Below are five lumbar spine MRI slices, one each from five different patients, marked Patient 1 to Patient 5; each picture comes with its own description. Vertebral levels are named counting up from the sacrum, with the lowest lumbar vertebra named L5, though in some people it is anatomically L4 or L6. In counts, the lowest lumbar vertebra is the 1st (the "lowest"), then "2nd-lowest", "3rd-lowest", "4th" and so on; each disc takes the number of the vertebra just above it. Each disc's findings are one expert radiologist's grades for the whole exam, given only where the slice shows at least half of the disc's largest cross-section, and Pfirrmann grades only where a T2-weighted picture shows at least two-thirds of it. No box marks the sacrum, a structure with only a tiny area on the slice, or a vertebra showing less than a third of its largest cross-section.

Patient 1 of 5:
461x462 px | Sagittal slice index 14 | MRI lumbar spine (T2-weighted), sagittal plane | Sex F

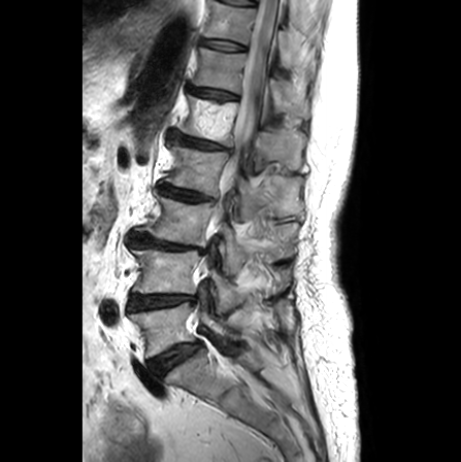 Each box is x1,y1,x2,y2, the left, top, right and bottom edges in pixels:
3rd-lowest vertebra at 134,193,297,272.
5th disc at 169,131,230,150.
3rd-lowest disc at 127,232,203,253.
2nd-lowest disc at 128,294,195,310.
Thecal sac / spinal canal at 215,0,279,227.
5th vertebra at 177,94,306,169.
6th disc at 188,86,237,100.
2nd-lowest vertebra at 131,248,243,312.
4th disc at 159,184,214,201.
Lowest disc at 149,342,201,376.
4th vertebra at 164,142,304,218.
7th disc at 200,38,246,51.
Lowest vertebra at 129,284,233,357.
6th vertebra at 192,47,309,118.
7th vertebra at 203,0,299,67.

Degenerative findings by level:
  2nd-lowest disc: Pfirrmann grade 2, disc narrowing, Modic type II
  5th disc: Pfirrmann grade 3, lower-endplate change, upper-endplate change, disc bulging, disc narrowing
  6th disc: Pfirrmann grade 2, upper-endplate change
  4th disc: Pfirrmann grade 3, upper-endplate change, lower-endplate change, disc narrowing
  lowest disc: Pfirrmann grade 3, Modic type II
  3rd-lowest disc: Pfirrmann grade 5, disc narrowing, Modic type II, lower-endplate change, upper-endplate change
  7th disc: Pfirrmann grade 1

Patient 2 of 5:
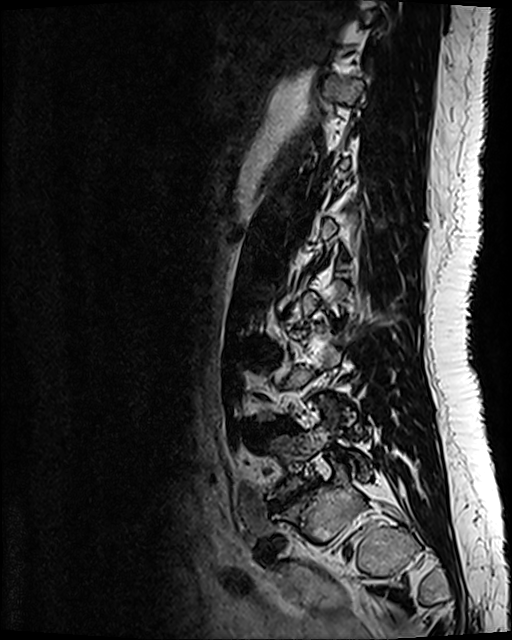 Image 512x640 | Sagittal slice index 88 | Lumbar spine MR, T2 SPACE (3D), sagittal
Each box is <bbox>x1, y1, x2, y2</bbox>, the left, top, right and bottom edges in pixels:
Disc L5/S1 at <bbox>272, 481, 317, 509</bbox>.
L4/L5 at <bbox>249, 421, 287, 439</bbox>.
L3/L4 at <bbox>251, 346, 277, 352</bbox>.
L5 vertebra at <bbox>269, 427, 367, 497</bbox>.

Patient 3 of 5:
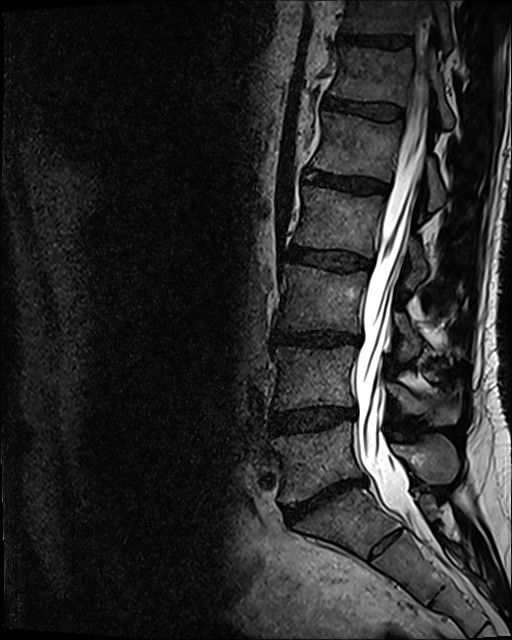 Sagittal T2 SPACE (3D) lumbar spine MRI. Slice 71/120.

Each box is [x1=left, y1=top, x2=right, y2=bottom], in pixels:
2nd-lowest disc — [x1=270, y1=408, x2=355, y2=432].
Thecal sac / spinal canal — [x1=356, y1=55, x2=430, y2=542].
4th disc — [x1=289, y1=247, x2=371, y2=271].
2nd-lowest vertebra — [x1=273, y1=346, x2=460, y2=424].
5th vertebra — [x1=313, y1=112, x2=444, y2=210].
6th disc — [x1=324, y1=97, x2=403, y2=119].
5th disc — [x1=305, y1=169, x2=388, y2=193].
Lowest vertebra — [x1=271, y1=422, x2=458, y2=504].
4th vertebra — [x1=294, y1=187, x2=427, y2=289].
7th disc — [x1=339, y1=33, x2=410, y2=48].
7th vertebra — [x1=342, y1=0, x2=452, y2=52].
3rd-lowest disc — [x1=273, y1=331, x2=361, y2=346].
Lowest disc — [x1=282, y1=477, x2=365, y2=522].
6th vertebra — [x1=331, y1=47, x2=453, y2=127].
3rd-lowest vertebra — [x1=281, y1=264, x2=463, y2=361].

Radiological gradings:
- 2nd-lowest disc: Pfirrmann grade 3, disc bulging, disc narrowing
- 6th disc: Pfirrmann grade 3
- lowest disc: Pfirrmann grade 5, Modic type II, disc bulging, disc narrowing
- 7th disc: Pfirrmann grade 4
- 5th disc: Pfirrmann grade 4
- 4th disc: Pfirrmann grade 3, disc bulging
- 3rd-lowest disc: Pfirrmann grade 4, lower-endplate change, disc bulging, disc narrowing

Patient 4 of 5:
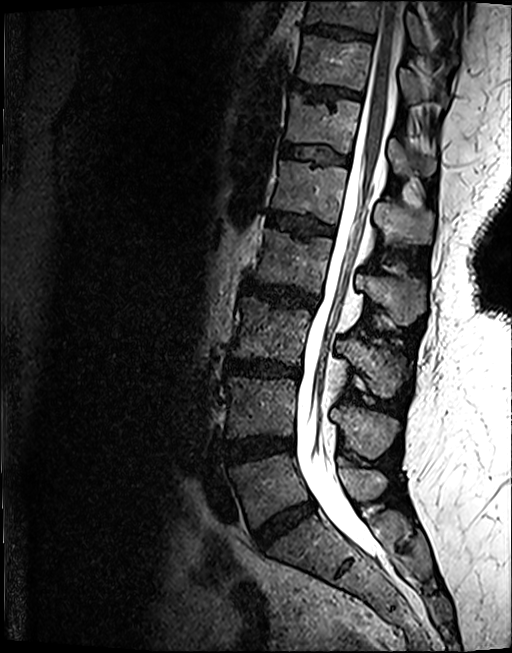 MRI lumbar spine (T2 SPACE (3D)), sagittal plane; 512x653 px
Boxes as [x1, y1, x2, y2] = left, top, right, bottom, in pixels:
IVD T12/L1 at [282, 143, 349, 163], IVD L5/S1 at [254, 501, 314, 548], IVD T10/T11 at [306, 24, 371, 38], L4 at [227, 377, 395, 457], T11/T12 at [293, 80, 361, 99], L1 vertebra at [271, 160, 433, 243], L1/L2 at [268, 211, 333, 236], T12 vertebra at [285, 93, 434, 175], L5 vertebra at [229, 452, 386, 527], L2 at [251, 228, 422, 324], IVD L4/L5 at [224, 435, 293, 462], L2/L3 at [243, 279, 317, 307], T10 at [307, 0, 423, 45], L3 at [230, 296, 401, 395], IVD L3/L4 at [227, 359, 300, 377], thecal sac / spinal canal at [296, 0, 404, 553], T11 at [298, 33, 415, 104].

Degenerative findings by level:
- L2/L3: Pfirrmann grade 4, disc bulging, upper-endplate change, lower-endplate change
- L3/L4: Pfirrmann grade 4, disc bulging, upper-endplate change, Modic type II, lower-endplate change, disc narrowing
- L4/L5: Pfirrmann grade 4, Modic type II, lower-endplate change, disc bulging
- T11/T12: Pfirrmann grade 4, upper-endplate change
- L1/L2: Pfirrmann grade 4, lower-endplate change, Modic type II, upper-endplate change
- T12/L1: Pfirrmann grade 3, lower-endplate change, upper-endplate change
- L5/S1: Pfirrmann grade 4, disc bulging, disc narrowing
- T10/T11: Pfirrmann grade 4, upper-endplate change, lower-endplate change

Patient 5 of 5:
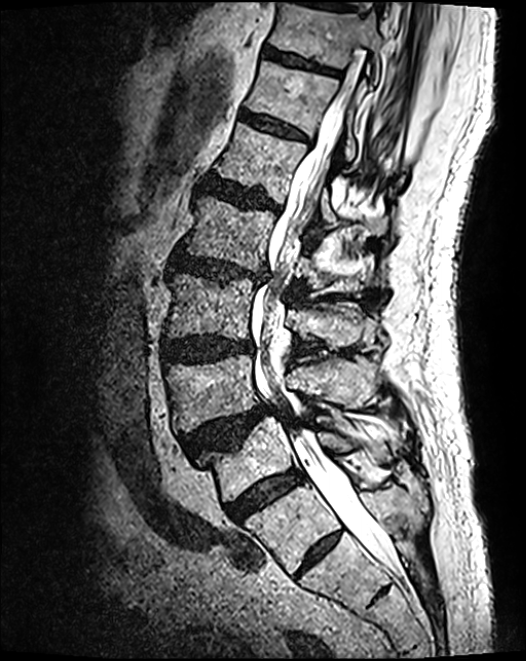 Patient sex: M | Slice 59 of 124 | Field of view 240x302 mm | T2 SPACE (3D) sagittal MRI of the lumbar spine
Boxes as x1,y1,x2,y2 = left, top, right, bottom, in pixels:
L3: 164,274,375,348
L2: 181,196,379,297
T11/T12: 262,48,337,74
L4/L5: 181,405,275,458
T11 vertebra: 268,3,381,84
L1/L2: 203,177,281,212
L5 vertebra: 201,418,397,502
L2/L3: 170,253,268,283
T12: 246,61,404,171
L1 vertebra: 217,124,386,233
L3/L4: 161,337,254,364
IVD T12/L1: 240,112,307,140
thecal sac / spinal canal: 251,45,394,568
L5/S1: 227,471,303,521
L4: 165,356,377,433

Degenerative findings by level:
• L5/S1: Pfirrmann grade 4
• L3/L4: Pfirrmann grade 4, disc bulging
• L1/L2: Pfirrmann grade 4, upper-endplate change, disc bulging, lower-endplate change
• L2/L3: Pfirrmann grade 4, upper-endplate change, disc narrowing, lower-endplate change, disc bulging
• T11/T12: Pfirrmann grade 3, lower-endplate change
• L4/L5: Pfirrmann grade 4, upper-endplate change, spondylolisthesis, disc herniation
• T12/L1: Pfirrmann grade 3